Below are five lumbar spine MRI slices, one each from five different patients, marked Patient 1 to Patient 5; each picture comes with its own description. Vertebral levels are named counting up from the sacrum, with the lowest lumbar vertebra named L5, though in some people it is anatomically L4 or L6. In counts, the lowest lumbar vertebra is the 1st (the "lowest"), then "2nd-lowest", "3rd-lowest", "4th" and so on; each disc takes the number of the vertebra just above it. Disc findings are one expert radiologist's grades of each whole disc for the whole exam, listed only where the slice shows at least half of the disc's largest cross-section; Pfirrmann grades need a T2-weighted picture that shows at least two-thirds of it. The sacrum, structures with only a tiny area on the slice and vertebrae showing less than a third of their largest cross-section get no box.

Patient 1 of 5:
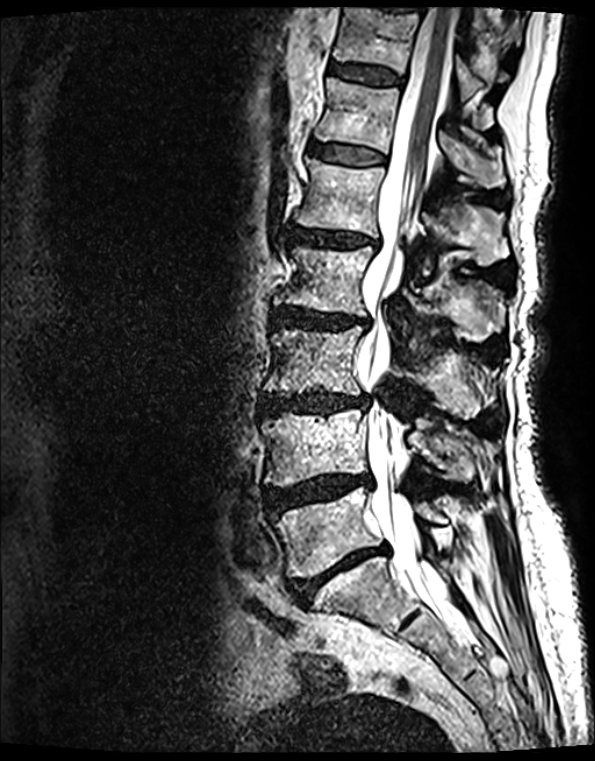 Sex F. Slice 68 of 139. Slice spacing 0.9 mm. T2 SPACE (3D) sagittal MRI of the lumbar spine.
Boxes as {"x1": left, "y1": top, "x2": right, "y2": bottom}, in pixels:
L2/L3 — {"x1": 272, "y1": 309, "x2": 365, "y2": 329}.
L4 vertebra — {"x1": 262, "y1": 410, "x2": 471, "y2": 486}.
L2 vertebra — {"x1": 274, "y1": 246, "x2": 505, "y2": 347}.
Intervertebral disc L4/L5 — {"x1": 265, "y1": 474, "x2": 370, "y2": 515}.
L5 vertebra — {"x1": 276, "y1": 487, "x2": 447, "y2": 577}.
T11 vertebra — {"x1": 332, "y1": 8, "x2": 507, "y2": 99}.
T12/L1 — {"x1": 309, "y1": 144, "x2": 383, "y2": 166}.
L5/S1 — {"x1": 291, "y1": 545, "x2": 385, "y2": 603}.
L1/L2 — {"x1": 291, "y1": 227, "x2": 368, "y2": 247}.
T12 — {"x1": 315, "y1": 80, "x2": 505, "y2": 187}.
Intervertebral disc T11/T12 — {"x1": 330, "y1": 65, "x2": 401, "y2": 85}.
L3/L4 — {"x1": 260, "y1": 393, "x2": 366, "y2": 414}.
Spinal canal — {"x1": 360, "y1": 8, "x2": 454, "y2": 610}.
L3 vertebra — {"x1": 265, "y1": 327, "x2": 494, "y2": 418}.
L1 — {"x1": 295, "y1": 160, "x2": 507, "y2": 264}.

Radiological gradings:
• T12/L1: Pfirrmann grade 2, Modic type II, lower-endplate change, upper-endplate change
• L4/L5: Pfirrmann grade 4, upper-endplate change, Modic type II, disc narrowing, disc bulging, disc herniation, lower-endplate change
• L5/S1: Pfirrmann grade 5, disc narrowing, Modic type II, lower-endplate change, disc bulging, upper-endplate change
• L2/L3: Pfirrmann grade 4, upper-endplate change, disc bulging, lower-endplate change, Modic type II, disc narrowing
• L3/L4: Pfirrmann grade 4, disc bulging, disc narrowing, upper-endplate change, lower-endplate change, Modic type II
• T11/T12: Pfirrmann grade 2, Modic type II, upper-endplate change, lower-endplate change
• L1/L2: Pfirrmann grade 4, Modic type II, lower-endplate change, upper-endplate change, disc narrowing, disc bulging

Patient 2 of 5:
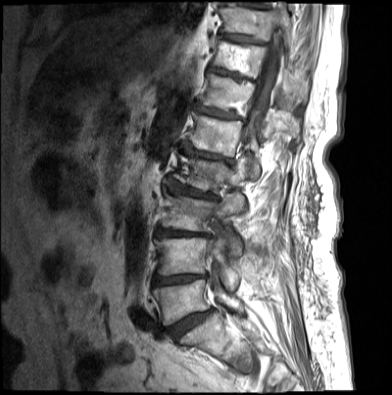

Patient sex: F | Sagittal slice index 9 | Sagittal T1-weighted lumbar spine MRI

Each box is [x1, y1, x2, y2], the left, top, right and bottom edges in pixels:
Annotations:
- L2 vertebra — [173, 154, 247, 192]
- intervertebral disc L5/S1 — [165, 308, 212, 339]
- thecal sac / spinal canal — [208, 26, 283, 308]
- intervertebral disc T12/L1 — [196, 103, 242, 119]
- T10 vertebra — [219, 5, 295, 47]
- T12 — [201, 73, 300, 137]
- T11 vertebra — [212, 40, 308, 99]
- intervertebral disc L3/L4 — [155, 227, 210, 237]
- L3 — [161, 191, 243, 256]
- L1/L2 — [180, 141, 232, 163]
- L1 vertebra — [188, 111, 260, 178]
- T10/T11 — [218, 33, 265, 44]
- L5 vertebra — [153, 279, 245, 325]
- L2/L3 — [166, 180, 218, 200]
- T9/T10 — [238, 2, 267, 8]
- T11/T12 — [208, 66, 258, 81]
- L4 — [154, 234, 240, 290]
- intervertebral disc L4/L5 — [152, 275, 206, 285]

Radiological gradings:
  L4/L5: disc narrowing, Modic type II, upper-endplate change, lower-endplate change, disc bulging
  T12/L1: upper-endplate change, lower-endplate change, disc bulging, Modic type II, disc narrowing
  T10/T11: Modic type II
  T11/T12: disc narrowing, disc bulging, Modic type II
  L2/L3: upper-endplate change, disc herniation, Modic type II, lower-endplate change, disc narrowing, disc bulging
  L3/L4: disc narrowing, lower-endplate change, disc bulging, upper-endplate change, Modic type II
  L5/S1: disc bulging, spondylolisthesis, Modic type II, disc narrowing
  L1/L2: disc bulging, Modic type II, disc narrowing, upper-endplate change, lower-endplate change
  T9/T10: no spondylolisthesis, narrowing, bulging, herniation, Modic or endplate change recorded

Patient 3 of 5:
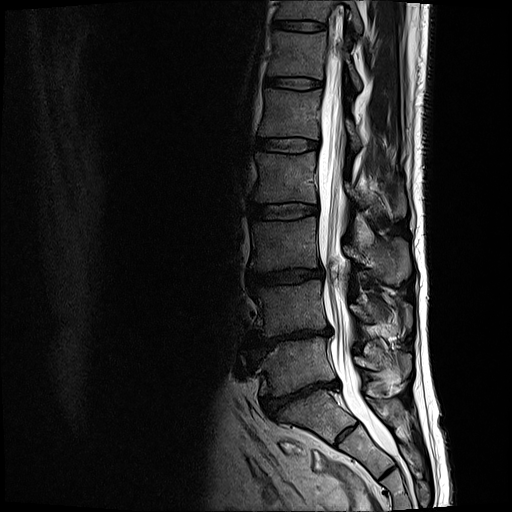 T2-weighted sagittal MRI of the lumbar spine
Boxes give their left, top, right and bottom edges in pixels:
7th vertebra at left=274, top=0, right=362, bottom=37.
Thecal sac / spinal canal at left=318, top=39, right=396, bottom=454.
5th vertebra at left=260, top=87, right=360, bottom=147.
Lowest vertebra at left=257, top=337, right=411, bottom=395.
4th vertebra at left=255, top=151, right=406, bottom=214.
Lowest disc at left=262, top=379, right=339, bottom=418.
2nd-lowest disc at left=252, top=328, right=329, bottom=346.
3rd-lowest vertebra at left=250, top=216, right=410, bottom=284.
5th disc at left=257, top=137, right=317, bottom=152.
2nd-lowest vertebra at left=255, top=279, right=411, bottom=336.
3rd-lowest disc at left=248, top=268, right=323, bottom=286.
6th disc at left=266, top=76, right=321, bottom=89.
6th vertebra at left=268, top=32, right=361, bottom=89.
4th disc at left=251, top=203, right=317, bottom=218.
7th disc at left=271, top=20, right=326, bottom=32.

Expert MSK radiologist gradings (per disc):
• 5th disc: Pfirrmann grade 2
• 6th disc: Pfirrmann grade 2
• 2nd-lowest disc: lower-endplate change, Modic type II, disc narrowing, disc bulging
• 4th disc: Pfirrmann grade 2
• 3rd-lowest disc: Pfirrmann grade 3, disc narrowing, disc bulging
• 7th disc: Pfirrmann grade 2
• lowest disc: Pfirrmann grade 5, spondylolisthesis, lower-endplate change, disc bulging, disc narrowing

Patient 4 of 5:
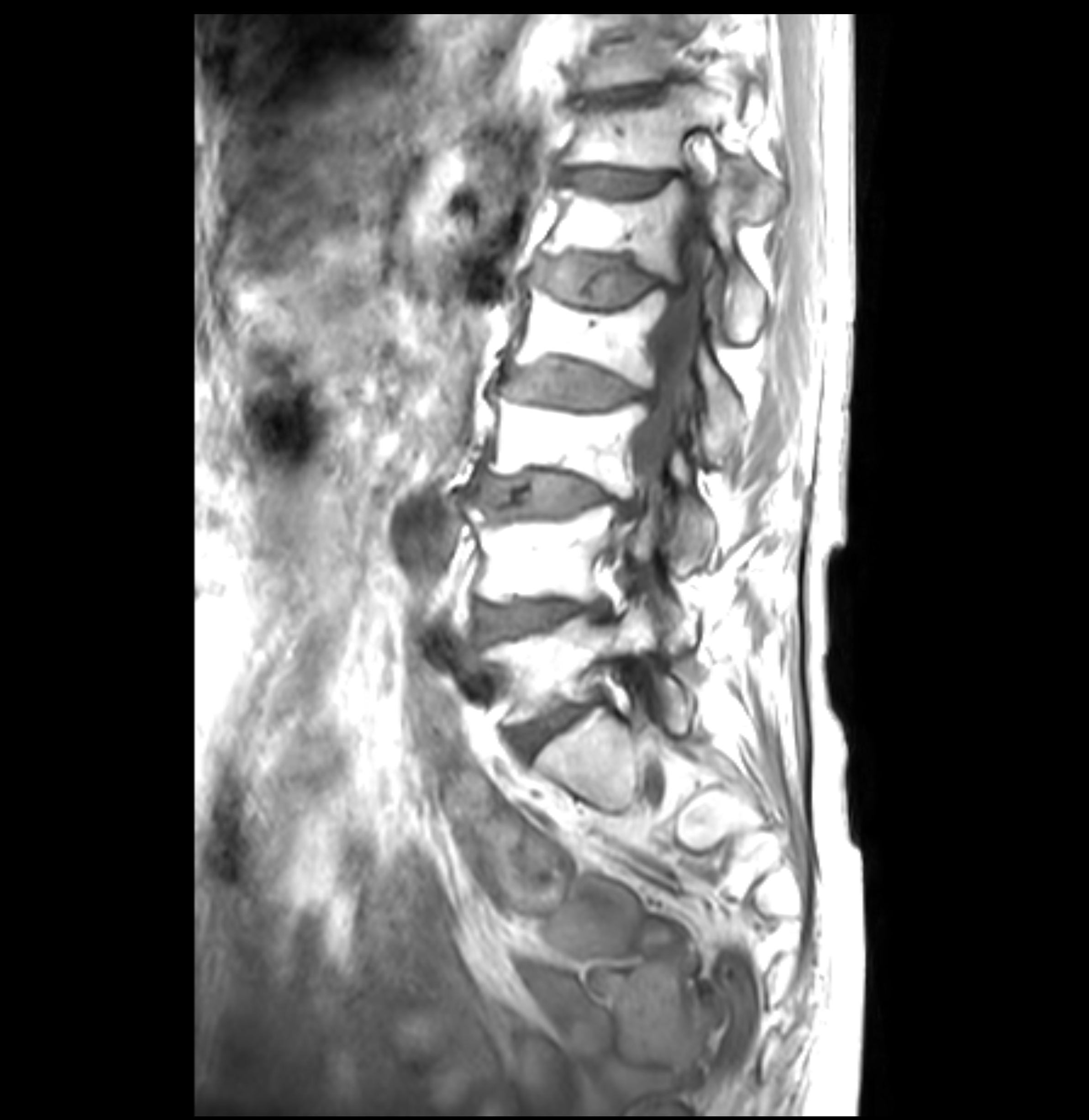 MRI lumbar spine (T1-weighted), sagittal plane.

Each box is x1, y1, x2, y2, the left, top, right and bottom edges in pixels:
L4 vertebra at 467, 501, 695, 641; L3/L4 at 479, 473, 639, 515; L5 at 486, 599, 692, 733; disc L2/L3 at 508, 361, 656, 405; T11/T12 at 581, 85, 663, 106; disc L1/L2 at 535, 258, 675, 307; L5/S1 at 513, 705, 590, 751; spinal canal at 632, 167, 719, 500; L1 vertebra at 542, 169, 765, 342; L3 at 484, 386, 714, 564; T11 vertebra at 581, 12, 675, 91; disc L4/L5 at 477, 597, 610, 637; T12 at 562, 83, 787, 221; T12/L1 at 559, 169, 673, 196; L2 at 510, 281, 746, 459.

Per-level radiological findings:
• L1/L2: lower-endplate change, disc bulging, upper-endplate change, Modic type II
• L2/L3: lower-endplate change, upper-endplate change, Modic type II, disc narrowing, disc bulging
• T11/T12: Modic type II, lower-endplate change, upper-endplate change
• L4/L5: lower-endplate change, disc bulging, Modic type II, upper-endplate change
• T12/L1: Modic type II, lower-endplate change, upper-endplate change
• L3/L4: Modic type II, disc bulging, disc narrowing, lower-endplate change, upper-endplate change

Patient 5 of 5:
T2-weighted sagittal MRI of the lumbar spine, Slice 20/33
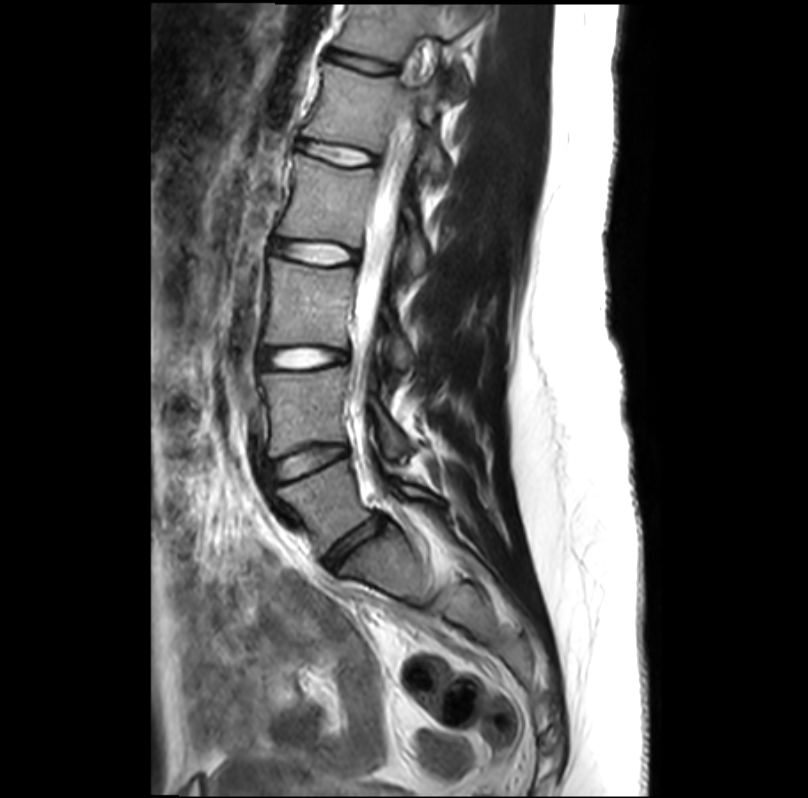 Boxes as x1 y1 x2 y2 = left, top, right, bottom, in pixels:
• 3rd-lowest vertebra = 265 258 413 370
• lowest disc = 324 514 383 566
• 4th disc = 273 239 356 264
• 6th disc = 328 51 395 73
• 6th vertebra = 334 5 483 98
• 5th disc = 299 141 376 164
• 3rd-lowest disc = 261 346 345 366
• 2nd-lowest disc = 268 445 347 481
• 2nd-lowest vertebra = 261 367 406 456
• 4th vertebra = 278 155 428 279
• 5th vertebra = 304 65 445 181
• thecal sac / spinal canal = 351 113 412 414
• lowest vertebra = 277 461 446 554

Expert MSK radiologist gradings (per disc):
  6th disc: Pfirrmann grade 1
  3rd-lowest disc: Pfirrmann grade 1, disc bulging
  4th disc: Pfirrmann grade 1
  2nd-lowest disc: Pfirrmann grade 1
  lowest disc: Pfirrmann grade 3, disc narrowing
  5th disc: Pfirrmann grade 1